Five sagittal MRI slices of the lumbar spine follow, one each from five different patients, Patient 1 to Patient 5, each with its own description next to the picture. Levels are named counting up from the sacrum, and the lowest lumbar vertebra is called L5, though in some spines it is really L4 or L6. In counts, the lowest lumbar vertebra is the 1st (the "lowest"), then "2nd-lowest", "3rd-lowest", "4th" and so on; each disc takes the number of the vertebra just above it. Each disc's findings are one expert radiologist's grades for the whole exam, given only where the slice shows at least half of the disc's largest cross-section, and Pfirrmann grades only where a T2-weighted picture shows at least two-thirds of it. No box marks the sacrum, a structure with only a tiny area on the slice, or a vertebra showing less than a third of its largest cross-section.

Patient 1 of 5:
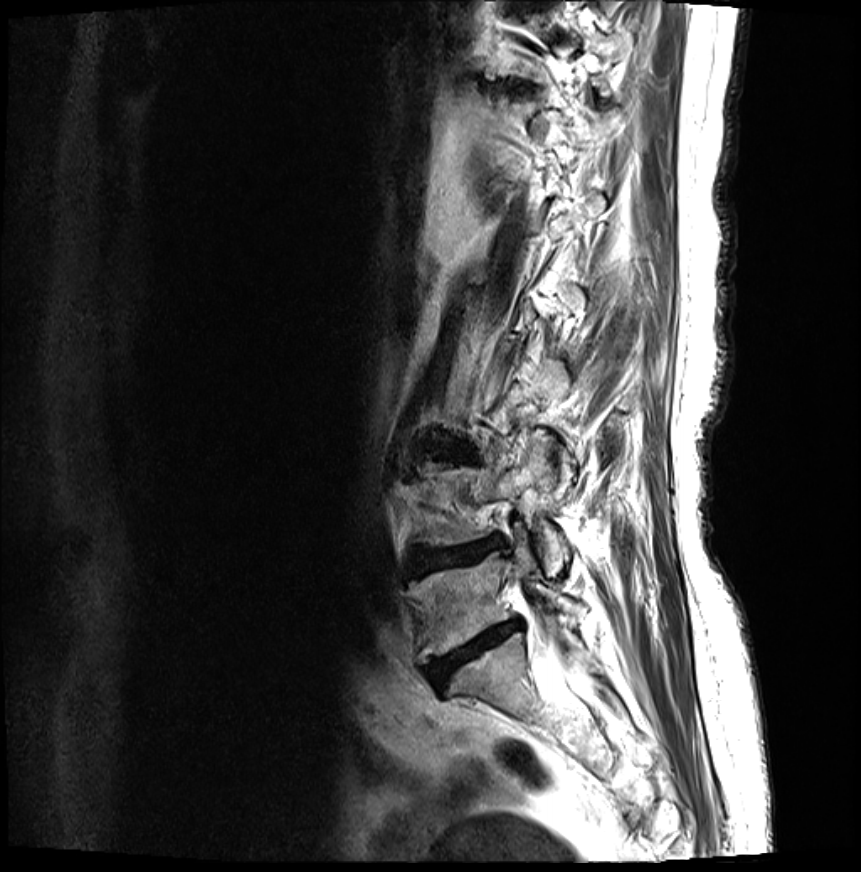 861x872 px. MRI lumbar spine (T2-weighted), sagittal plane. Field of view 300x304 mm, slice spacing 3.3 mm.
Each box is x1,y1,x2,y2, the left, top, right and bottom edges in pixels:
Annotations:
* intervertebral disc L4/L5 at 409,538,502,575
* L5 vertebra at 409,526,577,661
* L4 at 422,433,569,576
* intervertebral disc L5/S1 at 427,621,520,686
* intervertebral disc L3/L4 at 435,450,455,458

Per-level radiological findings:
  L4/L5: Modic type II, disc herniation, upper-endplate change, disc bulging, lower-endplate change, disc narrowing
  L5/S1: Pfirrmann grade 5, disc bulging, disc narrowing, Modic type II, lower-endplate change, upper-endplate change

Patient 2 of 5:
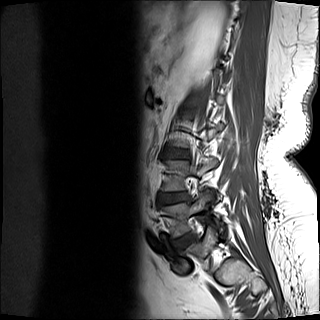
MRI lumbar spine (T1-weighted), sagittal plane, Slice 12 of 15

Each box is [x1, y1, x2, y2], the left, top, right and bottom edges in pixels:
Segmented structures:
- L5 (lowest vertebra): [161, 190, 219, 236]
- L4 (2nd-lowest vertebra): [161, 159, 217, 190]
- L4/L5 (2nd-lowest disc): [157, 193, 189, 204]
- intervertebral disc L3/L4 (3rd-lowest disc): [162, 149, 189, 157]
- L5/S1 (lowest disc): [174, 233, 196, 248]

Radiological gradings:
• L3/L4 (3rd-lowest disc): lower-endplate change
• L4/L5 (2nd-lowest disc): disc narrowing, Modic type II, disc bulging

Patient 3 of 5:
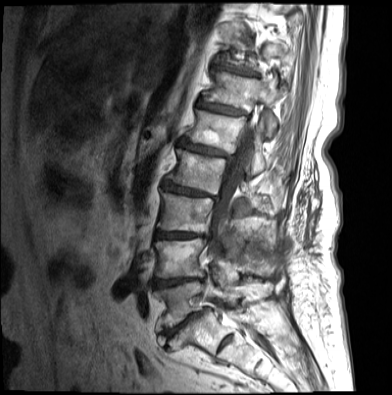

Sex F, Field of view 280x282 mm, slice spacing 4.4 mm, Slice 6/17, Image 392x395, Sagittal T1-weighted lumbar spine MRI

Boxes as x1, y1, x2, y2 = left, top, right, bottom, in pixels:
L4/L5 at 154, 278, 202, 288; L3 at 157, 192, 245, 246; disc T11/T12 at 216, 66, 253, 75; disc L5/S1 at 162, 312, 200, 338; L1/L2 at 179, 138, 232, 158; L2 vertebra at 167, 148, 266, 211; T12 at 203, 72, 285, 136; disc L2/L3 at 162, 180, 217, 198; spinal canal at 209, 127, 254, 258; L1 at 187, 110, 268, 174; L4 vertebra at 154, 238, 233, 281; disc T12/L1 at 197, 100, 243, 114; L3/L4 at 155, 230, 207, 239; L5 vertebra at 154, 279, 232, 330.

Per-level radiological findings:
- T11/T12: Modic type II, disc narrowing, disc bulging
- L3/L4: disc bulging, upper-endplate change, lower-endplate change, disc narrowing, Modic type II
- L4/L5: lower-endplate change, disc narrowing, disc bulging, Modic type II, upper-endplate change
- T12/L1: disc bulging, upper-endplate change, lower-endplate change, Modic type II, disc narrowing
- L2/L3: disc herniation, upper-endplate change, lower-endplate change, disc bulging, disc narrowing, Modic type II
- L1/L2: Modic type II, lower-endplate change, upper-endplate change, disc bulging, disc narrowing

Patient 4 of 5:
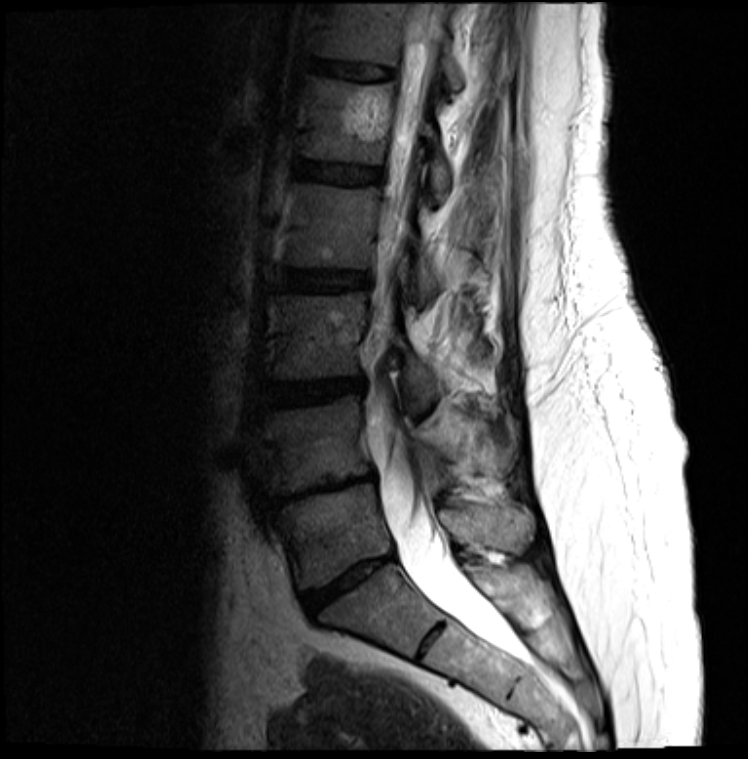 Lumbar spine MR, T2-weighted, sagittal
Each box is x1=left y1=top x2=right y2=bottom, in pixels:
L2 = x1=286 y1=184 x2=441 y2=304.
L5 vertebra = x1=279 y1=484 x2=531 y2=587.
Disc L4/L5 = x1=279 y1=474 x2=373 y2=503.
L5/S1 = x1=302 y1=556 x2=391 y2=611.
Disc L3/L4 = x1=267 y1=379 x2=361 y2=406.
L3 = x1=277 y1=292 x2=437 y2=409.
T12 = x1=316 y1=4 x2=465 y2=89.
L4 vertebra = x1=267 y1=396 x2=513 y2=492.
L1 = x1=304 y1=76 x2=449 y2=202.
Disc L1/L2 = x1=298 y1=159 x2=379 y2=183.
L2/L3 = x1=281 y1=268 x2=367 y2=290.
Disc T12/L1 = x1=312 y1=59 x2=393 y2=79.
Thecal sac / spinal canal = x1=376 y1=38 x2=515 y2=655.

Degenerative findings by level:
- L2/L3: Pfirrmann grade 3, disc bulging
- L5/S1: Pfirrmann grade 5, disc narrowing, upper-endplate change, disc bulging, lower-endplate change
- L3/L4: Pfirrmann grade 4, disc bulging
- L1/L2: Pfirrmann grade 3
- L4/L5: Pfirrmann grade 5, upper-endplate change, lower-endplate change, disc bulging, disc narrowing
- T12/L1: Pfirrmann grade 3

Patient 5 of 5:
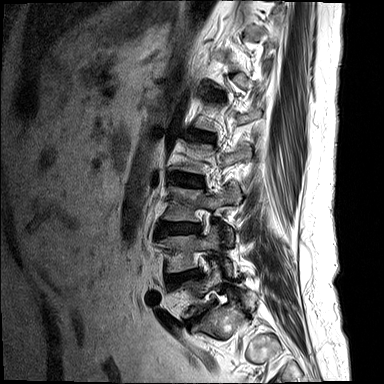
Sex F; Slice 13 of 15; MRI lumbar spine (T2-weighted), sagittal plane; Image 384x384
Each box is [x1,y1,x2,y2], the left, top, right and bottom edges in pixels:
• IVD L2/L3 at [169,173,203,187]
• L1/L2 at [189,131,214,141]
• L3 at [164,184,241,246]
• L3/L4 at [157,223,200,235]
• L5/S1 at [187,313,204,325]
• L4/L5 at [167,270,201,286]
• L5 at [178,261,255,318]
• L4 at [159,226,233,275]

Radiological gradings:
- L3/L4: Pfirrmann grade 3, disc bulging
- L1/L2: disc bulging
- L4/L5: Pfirrmann grade 4, Modic type II, upper-endplate change, lower-endplate change, disc narrowing, disc bulging
- L2/L3: Pfirrmann grade 3, disc bulging